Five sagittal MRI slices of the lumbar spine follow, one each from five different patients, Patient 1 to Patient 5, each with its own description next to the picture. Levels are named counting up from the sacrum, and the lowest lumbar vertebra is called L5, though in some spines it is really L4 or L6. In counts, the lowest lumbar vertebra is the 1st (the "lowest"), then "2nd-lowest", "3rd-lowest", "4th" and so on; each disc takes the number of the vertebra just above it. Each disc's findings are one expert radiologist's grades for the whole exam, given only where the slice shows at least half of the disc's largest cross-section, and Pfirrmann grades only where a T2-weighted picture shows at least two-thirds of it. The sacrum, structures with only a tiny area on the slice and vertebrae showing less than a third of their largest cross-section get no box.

Patient 1 of 5:
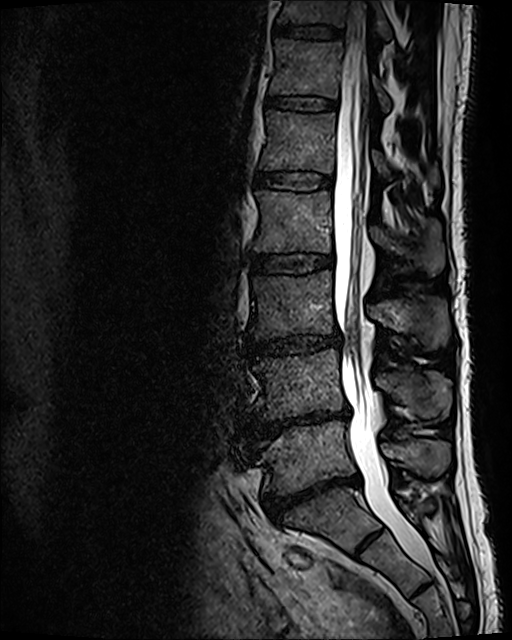 Sagittal slice index 60. 512x640 px. Sex M. Sagittal T2 SPACE (3D) lumbar spine MRI.

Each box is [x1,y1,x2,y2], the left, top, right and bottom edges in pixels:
lowest vertebra: [257,421,450,495]
2nd-lowest disc: [252,409,348,438]
6th disc: [267,96,335,111]
7th vertebra: [276,0,393,42]
7th disc: [271,24,343,39]
lowest disc: [262,475,361,520]
spinal canal: [333,1,432,568]
5th vertebra: [259,109,439,187]
4th vertebra: [254,190,444,275]
3rd-lowest disc: [247,334,340,353]
5th disc: [256,172,331,190]
4th disc: [251,255,333,273]
2nd-lowest vertebra: [253,349,451,419]
3rd-lowest vertebra: [250,270,449,350]
6th vertebra: [269,40,390,111]

Expert MSK radiologist gradings (per disc):
- 2nd-lowest disc: Pfirrmann grade 5, Modic type II, lower-endplate change, disc narrowing, disc bulging
- 4th disc: Pfirrmann grade 2
- 3rd-lowest disc: Pfirrmann grade 3, disc bulging, disc narrowing
- 7th disc: Pfirrmann grade 2
- 6th disc: Pfirrmann grade 2
- lowest disc: Pfirrmann grade 5, lower-endplate change, disc narrowing, spondylolisthesis, disc bulging
- 5th disc: Pfirrmann grade 2

Patient 2 of 5:
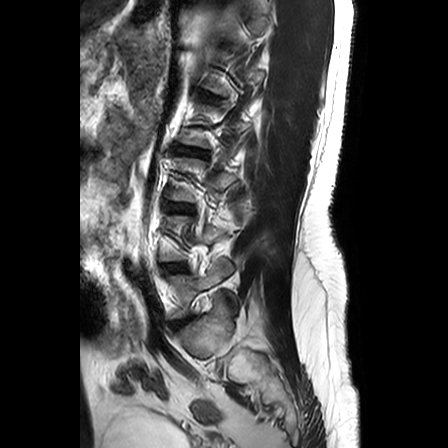
Lumbar spine MR, T2-weighted, sagittal; Slice 6/24

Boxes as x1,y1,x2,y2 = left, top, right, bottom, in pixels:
• intervertebral disc L5/S1 (lowest disc) — 172,318,187,325
• L5 (lowest vertebra) — 170,258,233,318
• intervertebral disc L3/L4 (3rd-lowest disc) — 170,204,191,211
• intervertebral disc L2/L3 (4th disc) — 179,148,207,156
• L4/L5 (2nd-lowest disc) — 164,264,182,271

Patient 3 of 5:
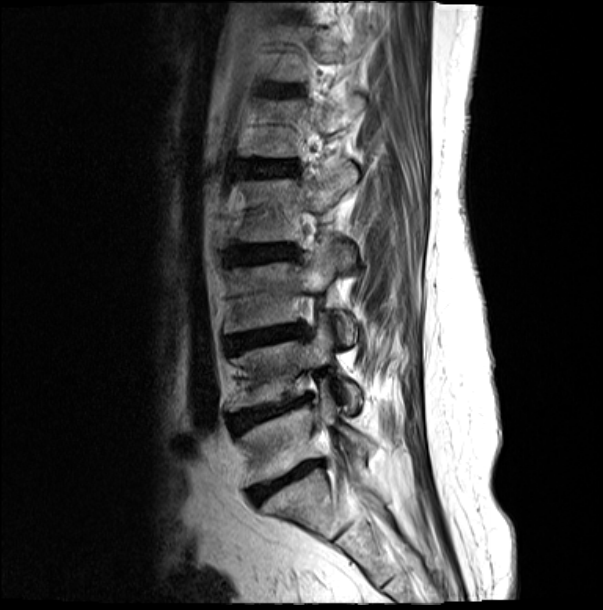

Sex F, Lumbar spine MR, T2-weighted, sagittal
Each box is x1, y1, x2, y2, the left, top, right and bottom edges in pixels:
L1/L2: 245, 161, 292, 175.
L2 vertebra: 240, 162, 357, 241.
IVD L3/L4: 228, 325, 300, 349.
L5: 240, 385, 372, 484.
L1: 245, 94, 365, 157.
L4 vertebra: 228, 316, 360, 410.
L2/L3: 231, 244, 289, 263.
L4/L5: 229, 398, 308, 432.
L3 vertebra: 226, 242, 354, 344.
IVD L5/S1: 251, 461, 318, 501.

Expert MSK radiologist gradings (per disc):
  L1/L2: Modic type II, upper-endplate change, disc bulging, lower-endplate change
  L5/S1: Pfirrmann grade 5, Modic type II, disc bulging, disc narrowing, lower-endplate change, upper-endplate change
  L3/L4: Pfirrmann grade 4, upper-endplate change, disc bulging, lower-endplate change, disc narrowing, Modic type II
  L2/L3: Pfirrmann grade 4, disc bulging, upper-endplate change, Modic type II, lower-endplate change
  L4/L5: upper-endplate change, Modic type II, disc narrowing, disc bulging, lower-endplate change

Patient 4 of 5:
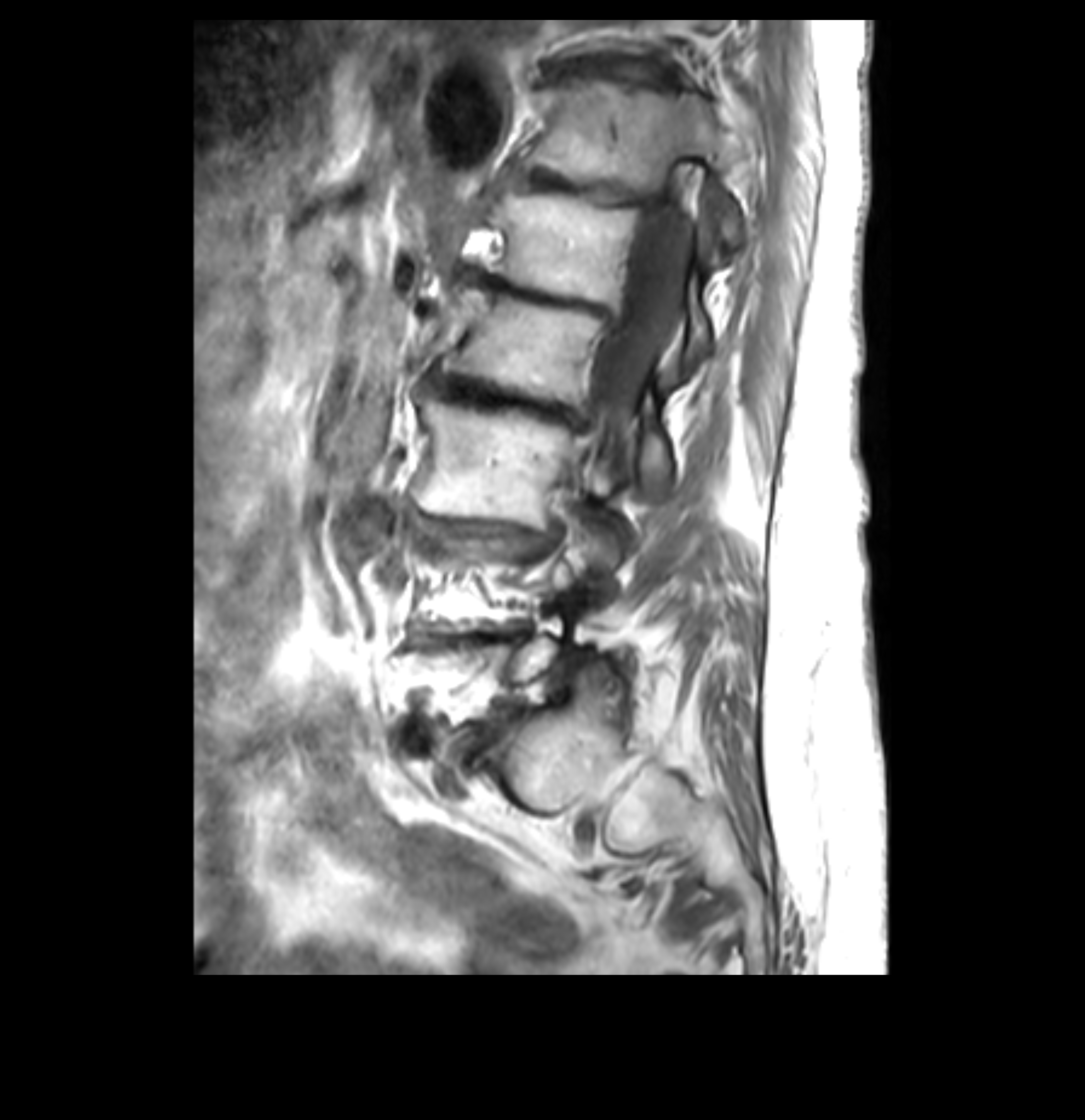 Lumbar spine MR, T1-weighted, sagittal
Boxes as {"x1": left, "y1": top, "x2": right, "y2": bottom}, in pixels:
L1 (5th vertebra): {"x1": 487, "y1": 192, "x2": 717, "y2": 350}.
L3 (3rd-lowest vertebra): {"x1": 414, "y1": 392, "x2": 612, "y2": 527}.
Intervertebral disc L3/L4 (3rd-lowest disc): {"x1": 419, "y1": 521, "x2": 559, "y2": 545}.
Thecal sac / spinal canal: {"x1": 588, "y1": 164, "x2": 699, "y2": 441}.
Intervertebral disc L5/S1 (lowest disc): {"x1": 472, "y1": 722, "x2": 506, "y2": 743}.
L2/L3 (4th disc): {"x1": 426, "y1": 368, "x2": 583, "y2": 427}.
T12 (6th vertebra): {"x1": 518, "y1": 80, "x2": 758, "y2": 250}.
Intervertebral disc T12/L1 (6th disc): {"x1": 492, "y1": 170, "x2": 658, "y2": 209}.
L1/L2 (5th disc): {"x1": 458, "y1": 266, "x2": 615, "y2": 322}.
Intervertebral disc T11/T12 (7th disc): {"x1": 542, "y1": 56, "x2": 680, "y2": 87}.
L2 (4th vertebra): {"x1": 443, "y1": 285, "x2": 668, "y2": 479}.
Intervertebral disc L4/L5 (2nd-lowest disc): {"x1": 431, "y1": 629, "x2": 527, "y2": 643}.

Expert MSK radiologist gradings (per disc):
• T11/T12 (7th disc): Modic type II, upper-endplate change, lower-endplate change, disc bulging, disc narrowing
• L3/L4 (3rd-lowest disc): lower-endplate change, Modic type II, disc narrowing, disc bulging, upper-endplate change
• T12/L1 (6th disc): Modic type II, upper-endplate change, lower-endplate change, disc bulging, disc narrowing

Patient 5 of 5:
Sagittal T1-weighted lumbar spine MRI
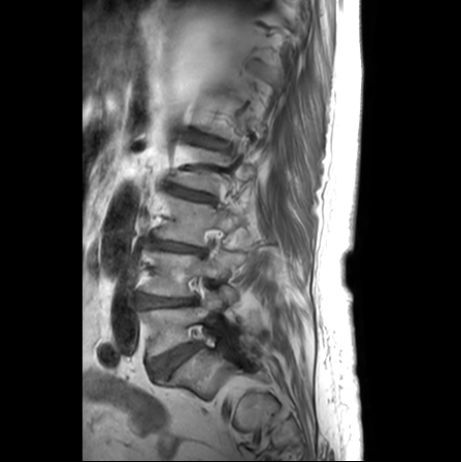 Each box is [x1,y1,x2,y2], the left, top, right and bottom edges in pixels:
L4/L5: [138,294,196,307].
L4: [145,251,244,296].
Intervertebral disc L3/L4: [150,238,203,253].
Intervertebral disc L2/L3: [171,185,215,201].
Intervertebral disc L1/L2: [192,132,231,151].
L5: [139,285,236,358].
L3: [155,194,243,245].
Intervertebral disc L5/S1: [150,344,199,375].

Radiological gradings:
- L4/L5: disc narrowing, Modic type II
- L1/L2: disc narrowing, upper-endplate change, lower-endplate change, disc bulging
- L5/S1: Modic type II
- L2/L3: lower-endplate change, disc narrowing, upper-endplate change
- L3/L4: Modic type II, lower-endplate change, disc narrowing, upper-endplate change